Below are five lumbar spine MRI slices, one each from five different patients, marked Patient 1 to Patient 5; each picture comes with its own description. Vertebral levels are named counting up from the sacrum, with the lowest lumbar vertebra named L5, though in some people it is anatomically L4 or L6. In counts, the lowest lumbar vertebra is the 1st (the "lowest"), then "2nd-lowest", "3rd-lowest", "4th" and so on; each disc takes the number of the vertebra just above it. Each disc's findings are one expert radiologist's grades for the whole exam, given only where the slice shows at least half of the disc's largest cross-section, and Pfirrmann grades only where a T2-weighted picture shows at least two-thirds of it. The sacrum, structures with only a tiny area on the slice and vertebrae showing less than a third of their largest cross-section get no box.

Patient 1 of 5:
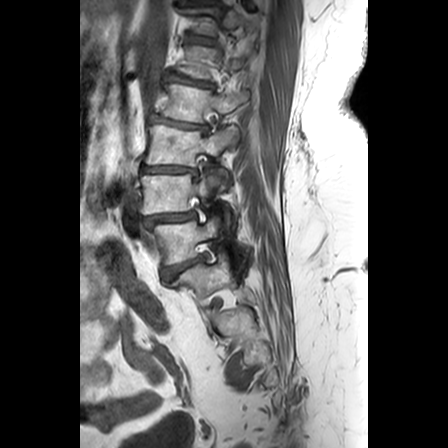
Slice 8/24; T1-weighted sagittal MRI of the lumbar spine

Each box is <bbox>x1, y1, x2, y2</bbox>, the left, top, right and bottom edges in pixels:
4th disc at <bbox>149, 112, 207, 128</bbox>.
4th vertebra at <bbox>158, 81, 247, 119</bbox>.
2nd-lowest vertebra at <bbox>140, 171, 213, 211</bbox>.
5th vertebra at <bbox>175, 43, 254, 75</bbox>.
Lowest disc at <bbox>162, 251, 204, 275</bbox>.
5th disc at <bbox>165, 69, 213, 85</bbox>.
2nd-lowest disc at <bbox>145, 210, 195, 222</bbox>.
Lowest vertebra at <bbox>151, 210, 218, 260</bbox>.
3rd-lowest vertebra at <bbox>144, 122, 233, 186</bbox>.
3rd-lowest disc at <bbox>141, 164, 195, 171</bbox>.
6th disc at <bbox>185, 32, 214, 42</bbox>.

Radiological gradings:
  2nd-lowest disc: spondylolisthesis, disc bulging, disc narrowing
  4th disc: disc bulging, Modic type II, lower-endplate change, disc narrowing, upper-endplate change
  3rd-lowest disc: disc bulging, Modic type II, lower-endplate change, disc narrowing, upper-endplate change
  lowest disc: disc bulging
  6th disc: Modic type II, lower-endplate change, upper-endplate change
  5th disc: disc bulging, lower-endplate change, upper-endplate change, Modic type II, disc narrowing

Patient 2 of 5:
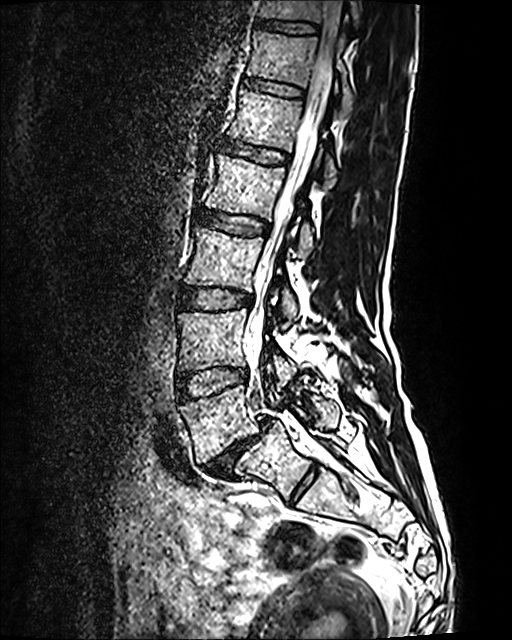 MRI lumbar spine (T2 SPACE (3D)), sagittal plane
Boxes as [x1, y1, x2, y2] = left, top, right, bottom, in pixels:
Disc T12/L1 at [243, 79, 301, 97].
L5 vertebra at [180, 381, 340, 462].
L3/L4 at [179, 288, 251, 309].
L2 vertebra at [206, 153, 313, 257].
T12 vertebra at [247, 31, 354, 111].
L4 vertebra at [178, 305, 295, 389].
L3 vertebra at [185, 227, 296, 326].
Disc L2/L3 at [196, 209, 268, 234].
L5/S1 at [203, 417, 270, 476].
Thecal sac / spinal canal at [245, 0, 342, 401].
L1 at [228, 89, 336, 184].
T11 at [260, 0, 359, 33].
T11/T12 at [257, 19, 316, 33].
Disc L1/L2 at [220, 141, 287, 164].
L4/L5 at [176, 367, 246, 400].

Expert MSK radiologist gradings (per disc):
  L1/L2: Pfirrmann grade 2
  L5/S1: Pfirrmann grade 5, disc narrowing, spondylolisthesis, Modic type II, disc bulging
  L2/L3: Pfirrmann grade 2
  L3/L4: Pfirrmann grade 2
  T12/L1: Pfirrmann grade 2
  T11/T12: Pfirrmann grade 2
  L4/L5: Pfirrmann grade 2

Patient 3 of 5:
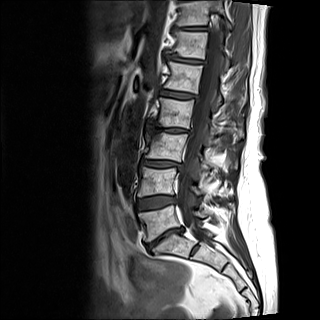
T1-weighted sagittal MRI of the lumbar spine, Slice 9 of 15
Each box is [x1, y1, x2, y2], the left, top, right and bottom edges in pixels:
Thecal sac / spinal canal — [177, 1, 223, 246].
5th disc — [160, 89, 196, 98].
6th disc — [167, 54, 205, 64].
4th disc — [147, 124, 188, 132].
7th disc — [173, 25, 208, 31].
7th vertebra — [175, 0, 233, 29].
2nd-lowest disc — [137, 195, 176, 209].
3rd-lowest vertebra — [144, 130, 237, 178].
2nd-lowest vertebra — [137, 167, 202, 196].
3rd-lowest disc — [141, 159, 183, 169].
4th vertebra — [154, 97, 244, 139].
Lowest disc — [147, 227, 183, 248].
Lowest vertebra — [138, 205, 209, 241].
6th vertebra — [169, 0, 230, 70].
5th vertebra — [164, 61, 223, 111].

Per-level radiological findings:
• 3rd-lowest disc: Modic type II, lower-endplate change, disc narrowing, disc bulging, upper-endplate change
• 7th disc: Modic type II, disc bulging, upper-endplate change, disc narrowing, lower-endplate change
• lowest disc: upper-endplate change, disc narrowing, lower-endplate change, disc bulging, Modic type II
• 6th disc: lower-endplate change, Modic type III, upper-endplate change, disc bulging, disc narrowing
• 2nd-lowest disc: lower-endplate change, Modic type II, disc bulging, upper-endplate change
• 4th disc: disc narrowing, disc bulging, upper-endplate change, lower-endplate change, Modic type III
• 5th disc: Modic type II, disc bulging, upper-endplate change, lower-endplate change

Patient 4 of 5:
SIEMENS Avanto_fit (1.5T), Lumbar spine MR, T2 SPACE (3D), sagittal

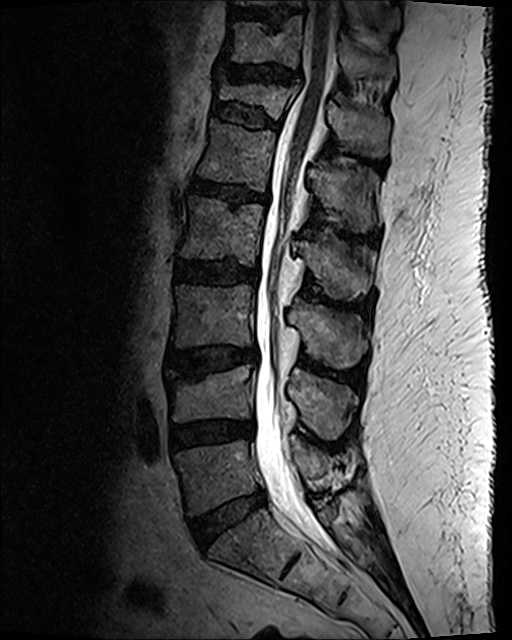 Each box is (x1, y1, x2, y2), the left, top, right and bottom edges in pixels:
T10/T11 at (234, 11, 298, 23), intervertebral disc T11/T12 at (227, 66, 300, 83), thecal sac / spinal canal at (254, 1, 336, 545), L4/L5 at (170, 422, 251, 447), L3 at (171, 285, 365, 369), T11 at (223, 16, 395, 88), L2 vertebra at (180, 199, 370, 300), T12/L1 at (212, 101, 279, 129), intervertebral disc L5/S1 at (190, 490, 265, 546), L1 at (197, 121, 375, 231), L2/L3 at (177, 260, 258, 284), intervertebral disc L1/L2 at (191, 180, 266, 207), L5 at (176, 435, 330, 515), L4 vertebra at (163, 366, 356, 440), L3/L4 at (168, 349, 256, 374), T12 at (218, 85, 389, 157).

Per-level radiological findings:
- T11/T12: Pfirrmann grade 2, upper-endplate change, disc narrowing, disc bulging, lower-endplate change
- L1/L2: Pfirrmann grade 3, Modic type II, disc narrowing, lower-endplate change, upper-endplate change, disc bulging
- L3/L4: Pfirrmann grade 3, lower-endplate change, Modic type II, upper-endplate change, disc bulging
- L5/S1: Pfirrmann grade 2, disc bulging
- T12/L1: Pfirrmann grade 2, spondylolisthesis, lower-endplate change, disc bulging, upper-endplate change
- L4/L5: Pfirrmann grade 3, disc narrowing, disc bulging
- L2/L3: Pfirrmann grade 3, disc bulging, lower-endplate change

Patient 5 of 5:
Patient sex: M, T2-weighted sagittal MRI of the lumbar spine, Philips Healthcare Ingenia (3T), Slice spacing 3.2 mm 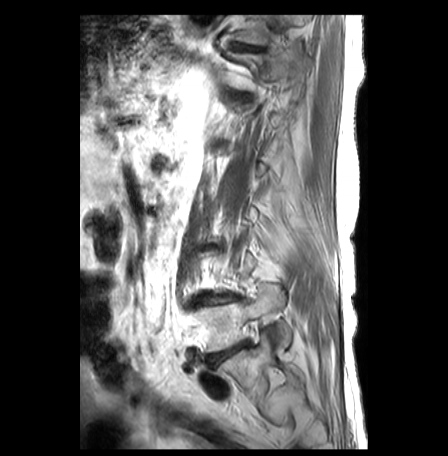
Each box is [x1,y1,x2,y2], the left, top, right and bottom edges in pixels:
{"L4/L5": "[196,294,239,304]", "intervertebral disc T11/T12": "[232,44,263,51]", "L5 vertebra": "[192,285,291,352]", "intervertebral disc L5/S1": "[208,340,249,365]", "T12": "[228,52,297,89]"}

Expert MSK radiologist gradings (per disc):
- L5/S1: disc narrowing, disc bulging, Modic type II